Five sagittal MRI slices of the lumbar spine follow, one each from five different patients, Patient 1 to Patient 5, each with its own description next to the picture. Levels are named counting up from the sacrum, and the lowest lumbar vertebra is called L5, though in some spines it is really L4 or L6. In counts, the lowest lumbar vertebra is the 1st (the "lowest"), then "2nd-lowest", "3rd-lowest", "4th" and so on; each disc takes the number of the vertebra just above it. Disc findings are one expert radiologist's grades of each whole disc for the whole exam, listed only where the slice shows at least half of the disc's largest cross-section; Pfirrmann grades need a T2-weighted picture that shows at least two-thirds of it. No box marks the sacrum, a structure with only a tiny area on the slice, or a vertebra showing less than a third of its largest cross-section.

Patient 1 of 5:
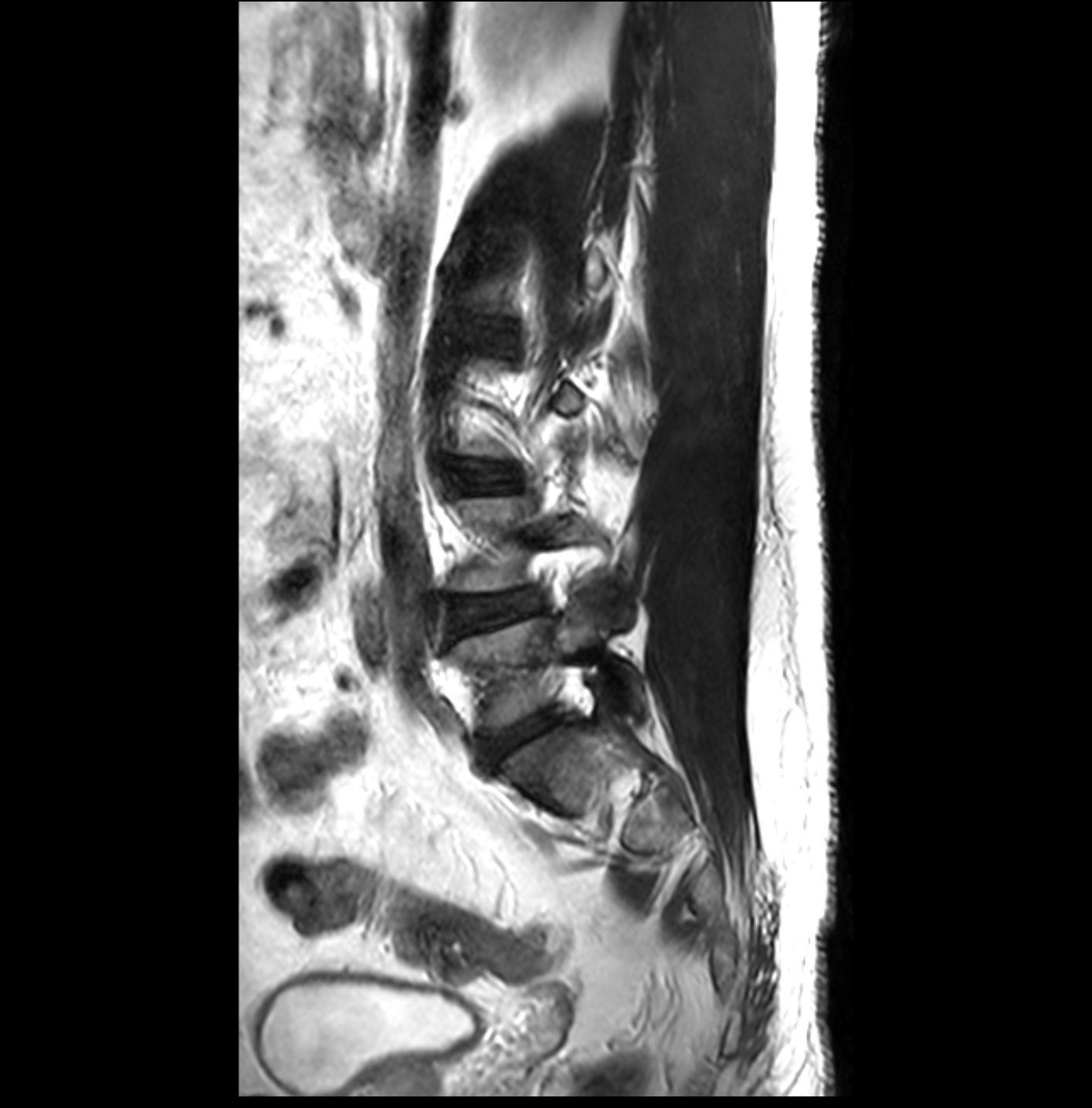
1092x1108 px. Sagittal T2-weighted lumbar spine MRI. Field of view 320x325 mm, slice spacing 3.3 mm. Slice 11/32. Patient sex: M.
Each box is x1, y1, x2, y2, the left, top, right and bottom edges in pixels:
Disc L5/S1 at 480, 707, 561, 764; L4 at 450, 496, 591, 594; L4/L5 at 450, 591, 540, 635; L3/L4 at 460, 463, 517, 489; L5 vertebra at 452, 590, 644, 733.

Expert MSK radiologist gradings (per disc):
- L4/L5: disc herniation
- L5/S1: no herniation, bulging, narrowing, spondylolisthesis, endplate or Modic change recorded

Patient 2 of 5:
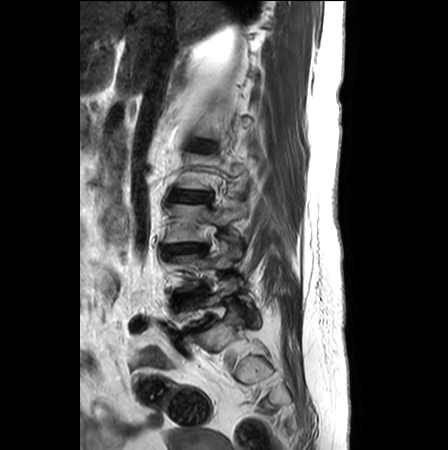

448x450 px | Sagittal T2-weighted lumbar spine MRI
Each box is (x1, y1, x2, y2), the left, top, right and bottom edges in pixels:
4th disc = (171, 192, 207, 201) | 2nd-lowest disc = (180, 288, 200, 297) | 3rd-lowest disc = (163, 243, 206, 252) | 3rd-lowest vertebra = (166, 202, 247, 241)

Per-level radiological findings:
  4th disc: Pfirrmann grade 3, disc bulging
  3rd-lowest disc: Pfirrmann grade 4, disc bulging, disc narrowing, upper-endplate change, lower-endplate change

Patient 3 of 5:
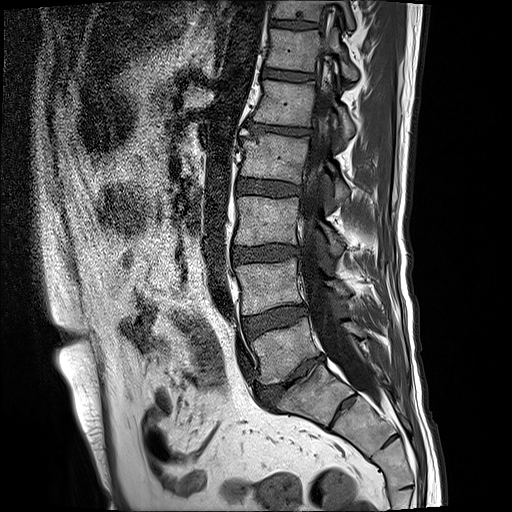
Sex M, Lumbar spine MR, T1-weighted, sagittal
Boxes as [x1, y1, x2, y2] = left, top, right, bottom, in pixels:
T12 at [266, 30, 360, 79].
L2/L3 at [237, 178, 301, 196].
L1 vertebra at [254, 80, 356, 137].
Spinal canal at [299, 10, 384, 404].
L3 vertebra at [235, 196, 343, 254].
T12/L1 at [261, 65, 313, 81].
Disc L4/L5 at [243, 305, 305, 339].
Disc T11/T12 at [269, 20, 317, 29].
L5/S1 at [257, 354, 325, 409].
L2 at [242, 134, 349, 200].
T11 vertebra at [271, 0, 354, 29].
L5 vertebra at [251, 318, 366, 385].
L1/L2 at [246, 122, 310, 135].
L4 at [236, 258, 349, 314].
L3/L4 at [232, 246, 300, 262].

Degenerative findings by level:
• L4/L5: Modic type II
• L1/L2: disc bulging, upper-endplate change, Modic type II, disc narrowing, lower-endplate change
• L3/L4: lower-endplate change, disc bulging, upper-endplate change
• T11/T12: lower-endplate change, upper-endplate change
• L5/S1: disc bulging, upper-endplate change, Modic type II, disc narrowing, lower-endplate change
• T12/L1, L2/L3: no Modic or endplate change, herniation, narrowing, bulging or spondylolisthesis recorded

Patient 4 of 5:
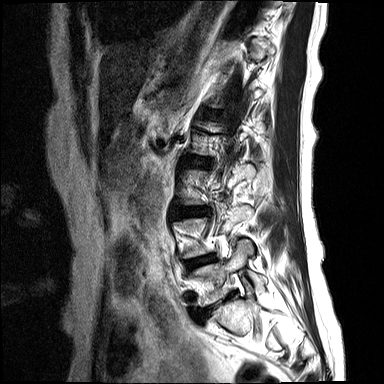 MRI lumbar spine (T2-weighted), sagittal plane, Slice spacing 4.4 mm, Patient sex: F
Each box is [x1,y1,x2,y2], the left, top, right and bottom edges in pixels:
L2/L3 (4th disc) = [191,160,211,165].
L4/L5 (2nd-lowest disc) = [186,256,215,270].
Disc L3/L4 (3rd-lowest disc) = [181,209,209,215].
L5 (lowest vertebra) = [192,240,261,307].
L5/S1 (lowest disc) = [204,295,232,313].

Degenerative findings by level:
  L5/S1 (lowest disc): lower-endplate change, Modic type II, upper-endplate change, disc narrowing, disc bulging

Patient 5 of 5:
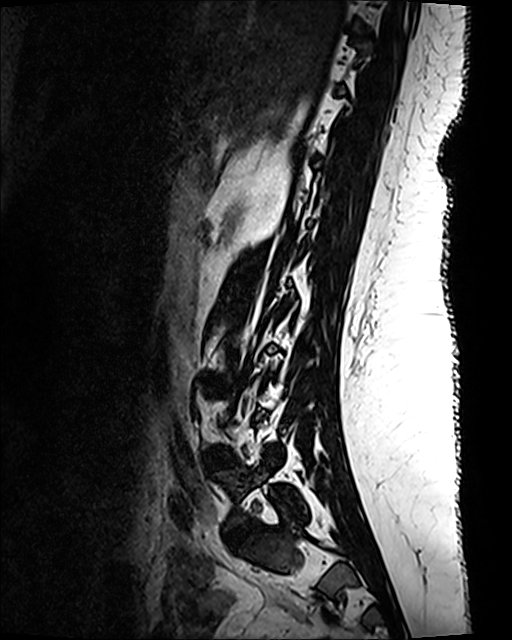 Lumbar spine MR, T2 SPACE (3D), sagittal
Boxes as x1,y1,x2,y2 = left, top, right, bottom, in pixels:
Disc L5/S1 at 225,518,259,550; disc L4/L5 at 210,453,234,468; L5 at 215,461,306,528.